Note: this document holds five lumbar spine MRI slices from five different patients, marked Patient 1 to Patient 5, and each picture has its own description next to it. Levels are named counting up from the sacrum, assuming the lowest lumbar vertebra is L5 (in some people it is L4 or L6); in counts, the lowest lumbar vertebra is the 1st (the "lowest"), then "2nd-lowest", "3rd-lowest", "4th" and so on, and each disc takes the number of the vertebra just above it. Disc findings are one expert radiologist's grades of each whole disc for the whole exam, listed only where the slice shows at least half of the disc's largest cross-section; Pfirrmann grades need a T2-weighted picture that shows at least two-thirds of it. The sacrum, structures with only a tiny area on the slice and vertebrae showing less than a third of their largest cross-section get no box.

Patient 1 of 5:
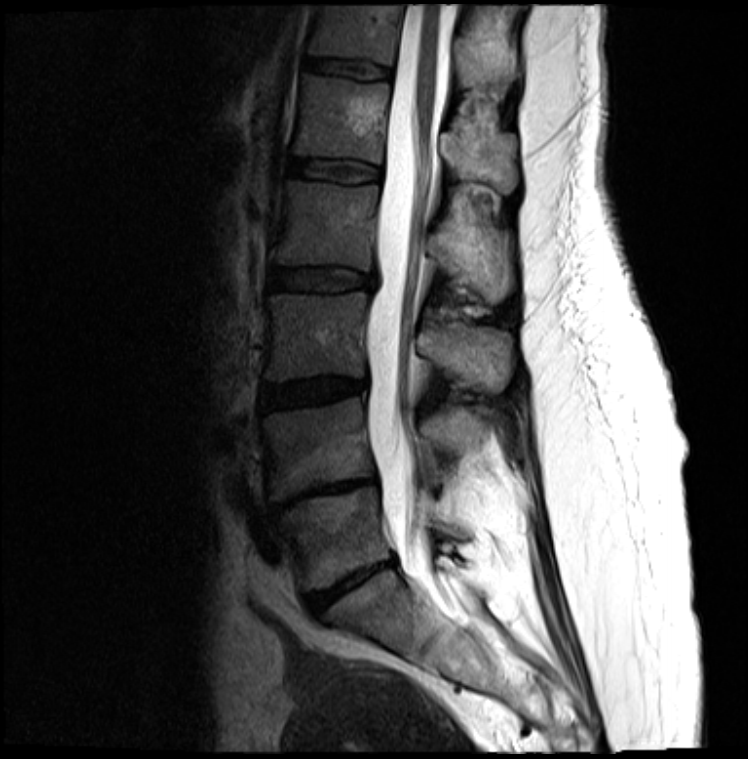

Lumbar spine MR, T2-weighted, sagittal
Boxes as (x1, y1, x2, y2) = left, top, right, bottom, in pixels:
Segmented structures:
* L3/L4: (261, 377, 363, 409)
* L2: (271, 180, 513, 302)
* T12/L1: (306, 57, 389, 79)
* L3: (267, 291, 513, 392)
* disc L4/L5: (285, 479, 373, 504)
* T12 vertebra: (310, 4, 517, 86)
* disc L1/L2: (286, 158, 379, 181)
* L5 vertebra: (283, 486, 471, 587)
* L4 vertebra: (263, 398, 502, 499)
* L2/L3: (267, 267, 375, 290)
* L1: (294, 73, 517, 193)
* spinal canal: (366, 4, 455, 599)
* disc L5/S1: (306, 560, 391, 611)

Radiological gradings:
- L4/L5: Pfirrmann grade 5, lower-endplate change, disc narrowing, disc bulging, upper-endplate change
- L5/S1: Pfirrmann grade 5, disc bulging, upper-endplate change, lower-endplate change, disc narrowing
- L1/L2: Pfirrmann grade 3
- L2/L3: Pfirrmann grade 3, disc bulging
- T12/L1: Pfirrmann grade 3
- L3/L4: Pfirrmann grade 4, disc bulging

Patient 2 of 5:
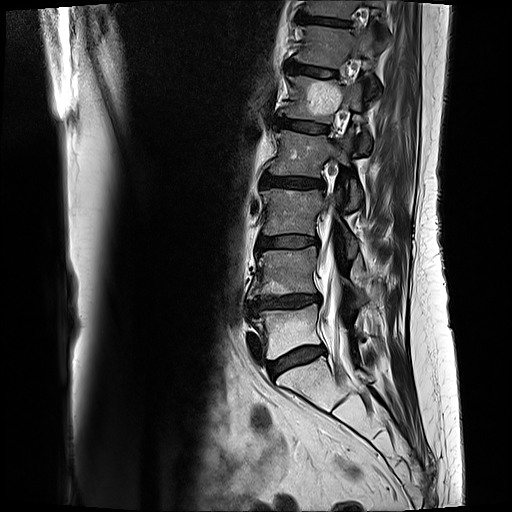 Image 512x512. MRI lumbar spine (T2-weighted), sagittal plane. Sex F.
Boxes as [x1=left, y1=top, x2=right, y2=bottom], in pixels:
IVD L2/L3: [x1=261, y1=174, x2=325, y2=188].
IVD T12/L1: [x1=287, y1=62, x2=337, y2=77].
L1 vertebra: [x1=282, y1=75, x2=370, y2=152].
Thecal sac / spinal canal: [x1=318, y1=209, x2=348, y2=352].
IVD L5/S1: [x1=269, y1=346, x2=325, y2=378].
L1/L2: [x1=278, y1=118, x2=328, y2=133].
L5 vertebra: [x1=253, y1=304, x2=362, y2=358].
L4: [x1=248, y1=246, x2=365, y2=303].
T11 vertebra: [x1=306, y1=0, x2=383, y2=17].
T12 vertebra: [x1=295, y1=26, x2=378, y2=89].
L4/L5: [x1=245, y1=294, x2=320, y2=315].
T11/T12: [x1=298, y1=14, x2=350, y2=26].
L3 vertebra: [x1=262, y1=189, x2=358, y2=257].
L2 vertebra: [x1=270, y1=130, x2=362, y2=208].
L3/L4: [x1=257, y1=236, x2=318, y2=249].

Degenerative findings by level:
  L1/L2: Pfirrmann grade 3, Modic type II
  L3/L4: Pfirrmann grade 3, disc bulging, Modic type II
  T11/T12: Pfirrmann grade 4, lower-endplate change, Modic type II, upper-endplate change
  L4/L5: Pfirrmann grade 4, upper-endplate change, disc bulging, lower-endplate change, disc narrowing, Modic type II
  T12/L1: Pfirrmann grade 3, Modic type II
  L2/L3: Pfirrmann grade 3, Modic type II, disc bulging
  L5/S1: Pfirrmann grade 3, Modic type II, disc bulging

Patient 3 of 5:
MRI lumbar spine (T2-weighted), sagittal plane. 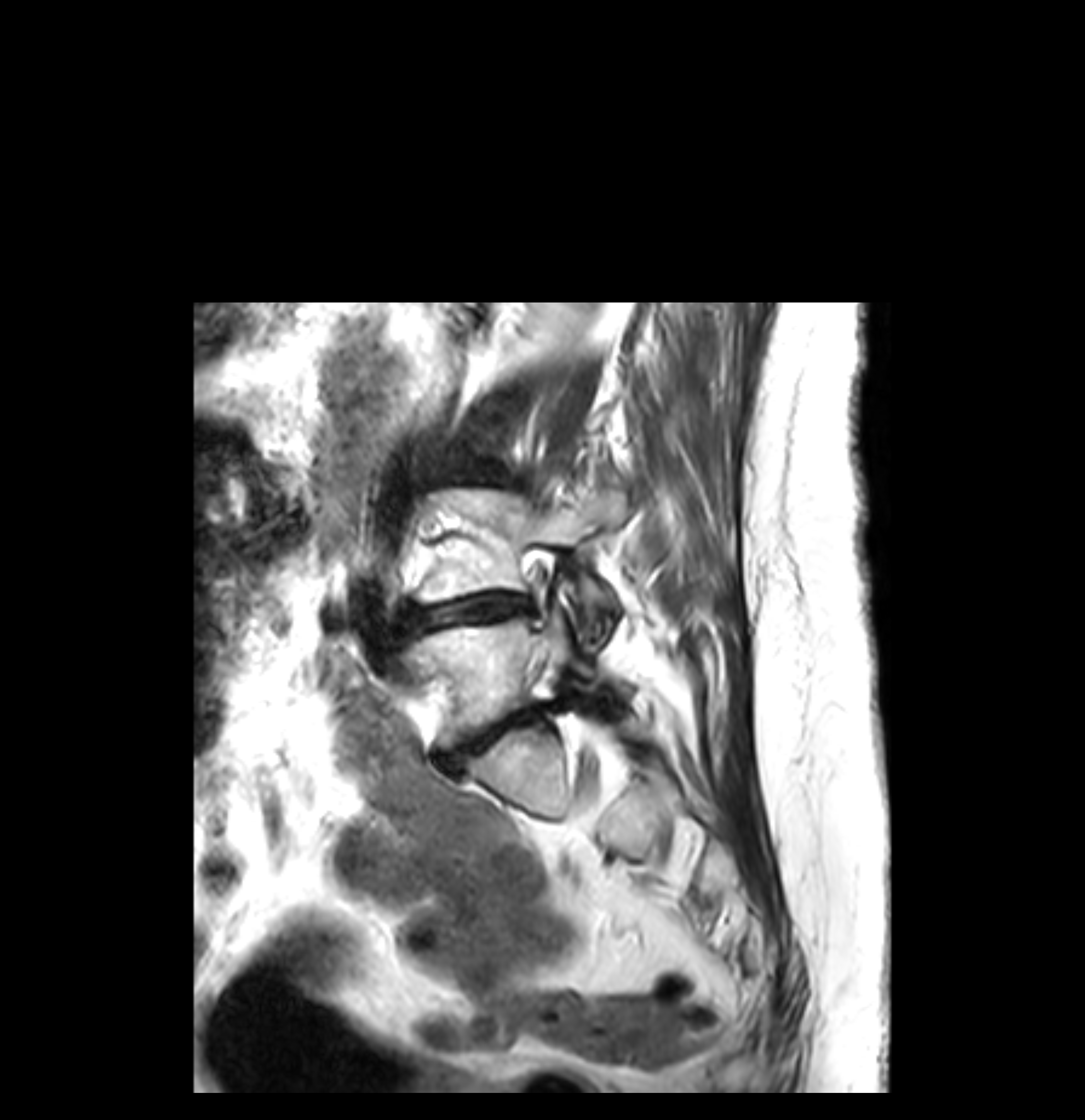

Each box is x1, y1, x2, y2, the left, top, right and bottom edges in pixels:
L5/S1 at 446, 703, 562, 765; intervertebral disc L4/L5 at 409, 595, 532, 627; L5 at 402, 600, 625, 748; L4 vertebra at 419, 486, 625, 639.

Per-level radiological findings:
• L5/S1: upper-endplate change, disc herniation, disc narrowing, lower-endplate change, Modic type II, disc bulging
• L4/L5: Pfirrmann grade 5, disc narrowing, upper-endplate change, Modic type II, disc bulging, lower-endplate change

Patient 4 of 5:
Patient sex: M, Lumbar spine MR, T1-weighted, sagittal 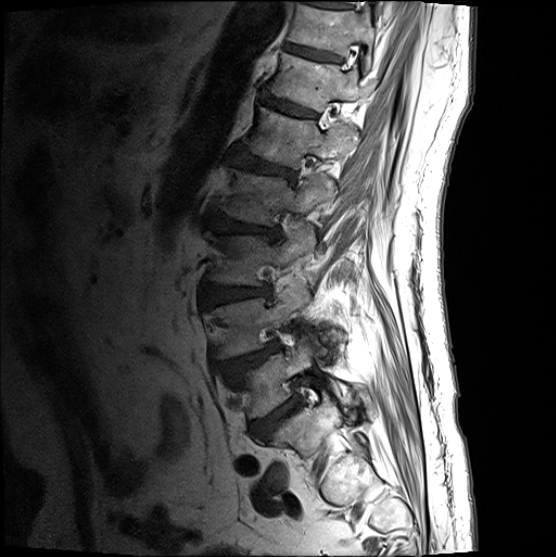 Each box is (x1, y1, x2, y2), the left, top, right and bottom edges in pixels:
L5/S1: (251, 400, 303, 442)
T11/T12: (283, 45, 342, 65)
T12: (269, 54, 362, 114)
disc L4/L5: (223, 345, 281, 380)
L2: (216, 169, 337, 229)
L4: (211, 281, 326, 361)
L3 vertebra: (208, 226, 316, 288)
T11 vertebra: (287, 2, 375, 71)
L1/L2: (230, 151, 296, 184)
T12/L1: (262, 98, 317, 120)
L1 vertebra: (242, 108, 355, 171)
L5: (233, 337, 355, 420)
disc L3/L4: (202, 287, 273, 306)
L2/L3: (207, 212, 281, 241)

Per-level radiological findings:
- L4/L5: upper-endplate change, spondylolisthesis, disc herniation
- L1/L2: disc bulging, upper-endplate change, lower-endplate change
- T11/T12: lower-endplate change
- L3/L4: disc bulging
- L2/L3: disc bulging, upper-endplate change, disc narrowing, lower-endplate change
- T12/L1, L5/S1: no spondylolisthesis, narrowing, bulging, herniation, Modic or endplate change recorded

Patient 5 of 5:
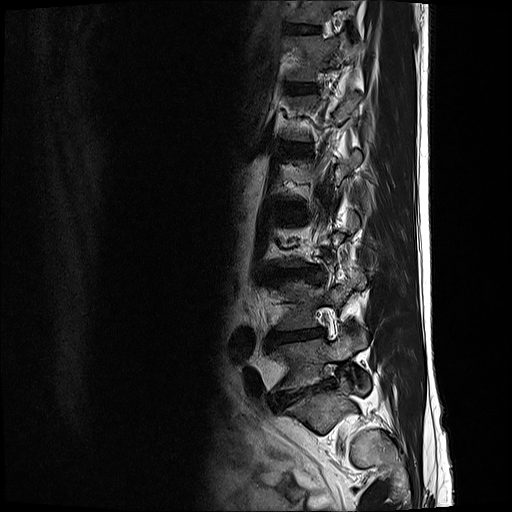 Slice 2 of 17, Lumbar spine MR, T2-weighted, sagittal
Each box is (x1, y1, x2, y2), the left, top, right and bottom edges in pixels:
{"disc L1/L2 (5th disc)": "(282, 143, 307, 150)", "L5/S1 (lowest disc)": "(270, 386, 316, 406)", "T11 (7th vertebra)": "(288, 0, 359, 25)", "T12/L1 (6th disc)": "(285, 82, 317, 92)", "L3/L4 (3rd-lowest disc)": "(271, 269, 309, 278)", "T12 (6th vertebra)": "(285, 35, 357, 81)", "L4 (2nd-lowest vertebra)": "(276, 269, 366, 330)", "L5 (lowest vertebra)": "(269, 327, 369, 394)", "T11/T12 (7th disc)": "(284, 23, 321, 33)", "L4/L5 (2nd-lowest disc)": "(271, 328, 327, 343)"}

Degenerative findings by level:
- L4/L5 (2nd-lowest disc): Pfirrmann grade 5, disc narrowing, lower-endplate change, Modic type II, disc bulging
- T12/L1 (6th disc), T11/T12 (7th disc): no Modic or endplate change, herniation, narrowing, bulging or spondylolisthesis recorded